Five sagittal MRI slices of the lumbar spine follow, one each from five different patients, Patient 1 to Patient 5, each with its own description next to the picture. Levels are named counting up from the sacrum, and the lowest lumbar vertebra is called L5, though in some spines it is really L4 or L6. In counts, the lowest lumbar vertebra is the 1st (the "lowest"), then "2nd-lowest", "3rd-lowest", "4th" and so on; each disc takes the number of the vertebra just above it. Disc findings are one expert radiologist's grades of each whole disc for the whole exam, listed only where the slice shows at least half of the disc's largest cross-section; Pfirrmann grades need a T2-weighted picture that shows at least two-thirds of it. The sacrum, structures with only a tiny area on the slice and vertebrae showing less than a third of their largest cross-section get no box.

Patient 1 of 5:
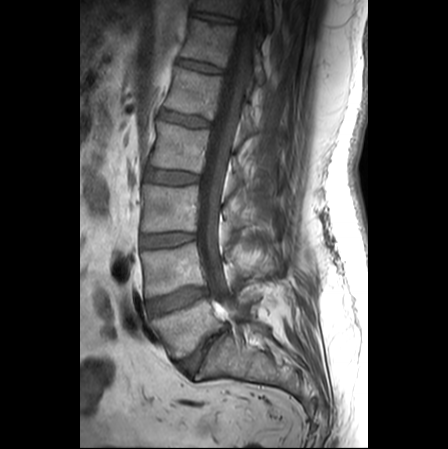
Sagittal T1-weighted lumbar spine MRI, Patient sex: M, Slice 14/25
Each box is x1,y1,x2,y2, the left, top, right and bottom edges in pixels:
L1/L2 at 160,110,209,126; T11/T12 at 192,12,235,23; T12 at 181,19,265,84; T12/L1 at 178,59,222,73; L5 at 152,292,259,359; L2 at 149,121,246,179; L5/S1 at 176,327,226,374; T11 at 194,0,272,28; L1 at 165,67,258,134; L3/L4 at 142,232,194,246; L3 vertebra at 142,185,255,231; disc L2/L3 at 146,170,199,185; spinal canal at 198,0,259,316; L4 vertebra at 142,243,262,297; L4/L5 at 148,288,206,314.

Per-level radiological findings:
• L4/L5: Modic type II, disc bulging
• L5/S1: Modic type II, disc bulging, disc narrowing
• L3/L4, L2/L3, L1/L2, T12/L1, T11/T12: no herniation, bulging, narrowing, spondylolisthesis, endplate or Modic change recorded

Patient 2 of 5:
T1-weighted sagittal MRI of the lumbar spine; Field of view 300x300 mm, slice spacing 3.3 mm; Scanner: SIEMENS Avanto_fit (1.5T)

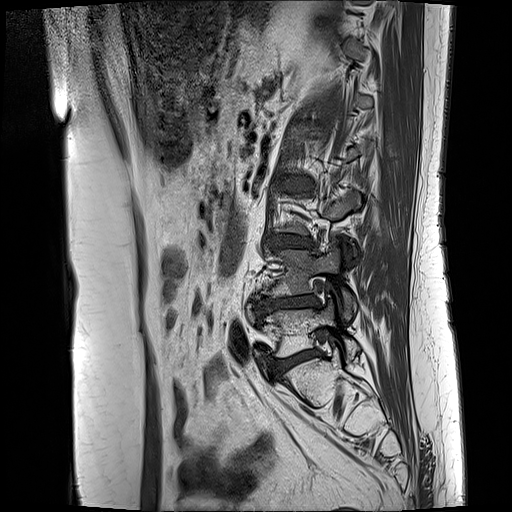
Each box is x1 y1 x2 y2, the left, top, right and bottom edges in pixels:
L5 (lowest vertebra) at 264 301 360 357.
Intervertebral disc L4/L5 (2nd-lowest disc) at 255 294 319 315.
L4 (2nd-lowest vertebra) at 255 238 356 319.
L2/L3 (4th disc) at 279 178 313 189.
Intervertebral disc L5/S1 (lowest disc) at 275 350 320 375.
Intervertebral disc L3/L4 (3rd-lowest disc) at 270 236 314 247.

Per-level radiological findings:
- L4/L5 (2nd-lowest disc): lower-endplate change, Modic type II, upper-endplate change, disc bulging, disc narrowing
- L3/L4 (3rd-lowest disc): Modic type II, disc bulging

Patient 3 of 5:
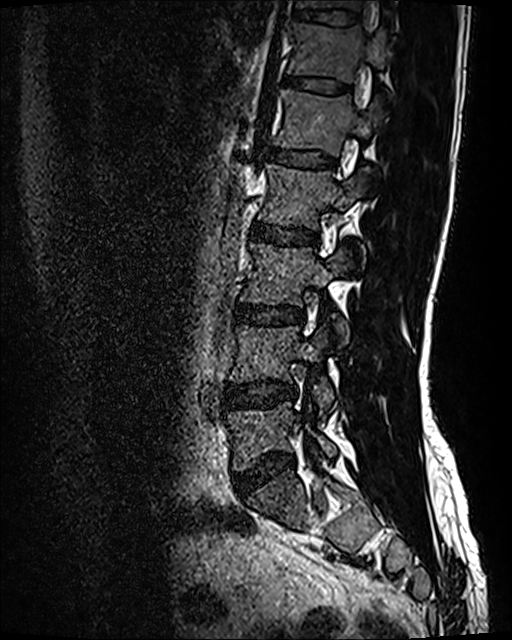 Slice 74/120 | T2 SPACE (3D) sagittal MRI of the lumbar spine

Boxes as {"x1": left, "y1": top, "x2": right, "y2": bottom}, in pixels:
lowest vertebra — {"x1": 228, "y1": 402, "x2": 336, "y2": 471} | 7th vertebra — {"x1": 295, "y1": 0, "x2": 363, "y2": 11} | 3rd-lowest vertebra — {"x1": 241, "y1": 242, "x2": 354, "y2": 343} | 4th vertebra — {"x1": 257, "y1": 163, "x2": 370, "y2": 229} | 5th vertebra — {"x1": 273, "y1": 89, "x2": 380, "y2": 156} | 4th disc — {"x1": 252, "y1": 223, "x2": 317, "y2": 245} | 5th disc — {"x1": 267, "y1": 147, "x2": 334, "y2": 167} | 2nd-lowest vertebra — {"x1": 230, "y1": 326, "x2": 333, "y2": 413} | 2nd-lowest disc — {"x1": 227, "y1": 380, "x2": 295, "y2": 406} | 6th vertebra — {"x1": 287, "y1": 22, "x2": 391, "y2": 83} | 3rd-lowest disc — {"x1": 235, "y1": 304, "x2": 303, "y2": 325} | lowest disc — {"x1": 235, "y1": 453, "x2": 293, "y2": 495} | 6th disc — {"x1": 284, "y1": 75, "x2": 350, "y2": 92} | 7th disc — {"x1": 294, "y1": 9, "x2": 359, "y2": 26}

Expert MSK radiologist gradings (per disc):
• 5th disc: Pfirrmann grade 2
• 6th disc: Pfirrmann grade 2
• 4th disc: Pfirrmann grade 2
• 3rd-lowest disc: Pfirrmann grade 2, disc bulging
• 2nd-lowest disc: Pfirrmann grade 2, disc bulging
• 7th disc: Pfirrmann grade 2
• lowest disc: disc bulging

Patient 4 of 5:
Slice spacing 0.9 mm; 512x640 px; MRI lumbar spine (T2 SPACE (3D)), sagittal plane; Sagittal slice index 68

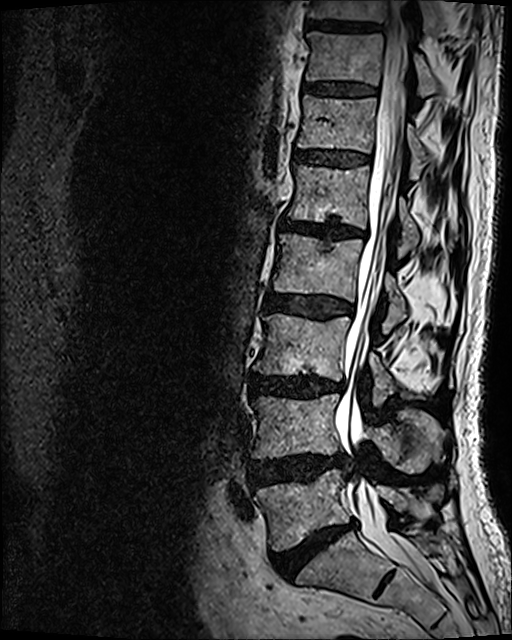
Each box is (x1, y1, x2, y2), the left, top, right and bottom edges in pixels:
6th disc at (293, 149, 368, 166).
2nd-lowest vertebra at (252, 394, 446, 472).
3rd-lowest disc at (250, 374, 344, 398).
7th vertebra at (306, 32, 442, 95).
6th vertebra at (297, 95, 430, 178).
4th vertebra at (273, 233, 407, 325).
8th vertebra at (308, 0, 448, 32).
2nd-lowest disc at (249, 455, 343, 486).
5th disc at (279, 218, 365, 238).
8th disc at (305, 18, 380, 32).
Spinal canal at (335, 1, 436, 586).
7th disc at (304, 84, 374, 96).
4th disc at (264, 292, 352, 319).
Lowest vertebra at (255, 470, 431, 550).
5th vertebra at (288, 165, 457, 253).
Lowest disc at (270, 521, 358, 579).
3rd-lowest vertebra at (254, 313, 410, 403).

Expert MSK radiologist gradings (per disc):
- 5th disc: Pfirrmann grade 4, disc bulging, upper-endplate change, disc narrowing, lower-endplate change, Modic type II
- 6th disc: Pfirrmann grade 3
- 7th disc: Pfirrmann grade 3
- 3rd-lowest disc: Pfirrmann grade 4, Modic type II, disc narrowing, lower-endplate change, disc bulging
- 4th disc: Pfirrmann grade 3, disc bulging
- 2nd-lowest disc: Pfirrmann grade 4, disc herniation, disc bulging
- lowest disc: Pfirrmann grade 5, lower-endplate change, disc bulging, Modic type II, disc narrowing

Patient 5 of 5:
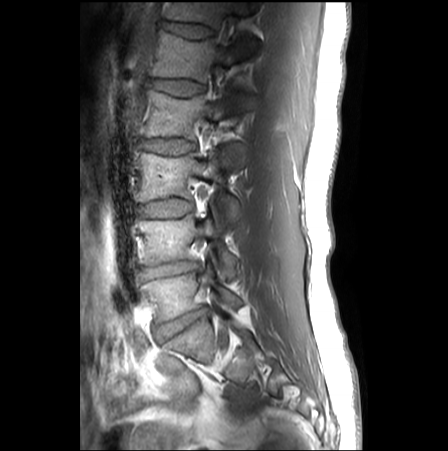 Slice spacing 3.3 mm, Sex M, Image 448x451, MRI lumbar spine (T1-weighted), sagittal plane

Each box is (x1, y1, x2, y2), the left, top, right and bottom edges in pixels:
disc L4/L5 (2nd-lowest disc): (141, 261, 194, 279)
L2 (4th vertebra): (141, 91, 231, 165)
T12 (6th vertebra): (165, 2, 258, 54)
L2/L3 (4th disc): (142, 138, 195, 154)
disc L3/L4 (3rd-lowest disc): (139, 199, 191, 217)
disc T12/L1 (6th disc): (164, 21, 211, 38)
L1/L2 (5th disc): (148, 78, 203, 95)
L1 (5th vertebra): (150, 32, 240, 81)
disc L5/S1 (lowest disc): (156, 307, 208, 341)
L4 (2nd-lowest vertebra): (140, 215, 236, 278)
L3 (3rd-lowest vertebra): (138, 145, 242, 227)
L5 (lowest vertebra): (142, 265, 242, 321)

Per-level radiological findings:
- L4/L5 (2nd-lowest disc): disc bulging, disc narrowing
- T12/L1 (6th disc): lower-endplate change
- L5/S1 (lowest disc): disc bulging, disc narrowing
- L3/L4 (3rd-lowest disc), L2/L3 (4th disc), L1/L2 (5th disc): no Modic or endplate change, herniation, narrowing, bulging or spondylolisthesis recorded